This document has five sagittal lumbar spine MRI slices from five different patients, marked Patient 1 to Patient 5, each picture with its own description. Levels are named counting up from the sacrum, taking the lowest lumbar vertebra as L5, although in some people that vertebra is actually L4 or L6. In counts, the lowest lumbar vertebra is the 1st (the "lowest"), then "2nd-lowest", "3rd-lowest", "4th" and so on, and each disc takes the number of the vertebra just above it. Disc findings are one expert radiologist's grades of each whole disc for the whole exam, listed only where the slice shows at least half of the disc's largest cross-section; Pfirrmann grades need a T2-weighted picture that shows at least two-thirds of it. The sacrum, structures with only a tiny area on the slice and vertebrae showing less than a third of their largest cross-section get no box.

Patient 1 of 5:
512x640 px, Sagittal slice index 34, Sagittal T2 SPACE (3D) lumbar spine MRI
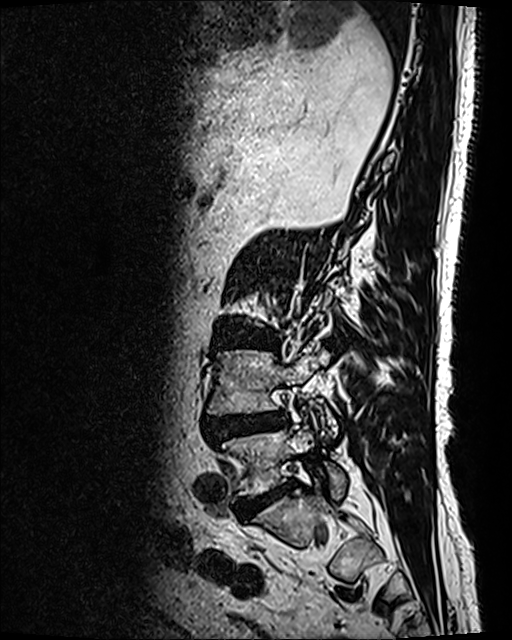
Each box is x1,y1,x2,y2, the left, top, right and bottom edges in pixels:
L3/L4 at 213,329,277,349; disc L5/S1 at 245,481,291,512; L4 at 207,349,329,433; L5 at 222,422,346,497; L4/L5 at 205,411,286,444.

Degenerative findings by level:
• L4/L5: Pfirrmann grade 4, upper-endplate change, spondylolisthesis, disc bulging, disc narrowing, Modic type II, lower-endplate change, disc herniation
• L3/L4: lower-endplate change, upper-endplate change, disc bulging

Patient 2 of 5:
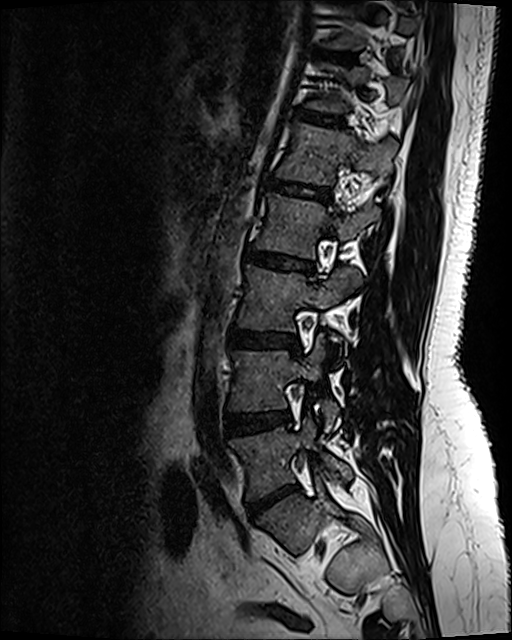
Patient sex: F; Field of view 240x300 mm, slice spacing 0.9 mm; MRI lumbar spine (T2 SPACE (3D)), sagittal plane; Image 512x640
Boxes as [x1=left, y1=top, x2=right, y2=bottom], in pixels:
T11/T12 at [x1=316, y1=53, x2=352, y2=62], intervertebral disc L1/L2 at [x1=264, y1=181, x2=330, y2=203], L4 at [x1=230, y1=334, x2=337, y2=431], L1 vertebra at [x1=276, y1=124, x2=395, y2=184], intervertebral disc L4/L5 at [x1=226, y1=413, x2=291, y2=434], L2/L3 at [x1=245, y1=249, x2=311, y2=274], L3 vertebra at [x1=239, y1=267, x2=360, y2=331], intervertebral disc L3/L4 at [x1=230, y1=330, x2=296, y2=349], L5 at [x1=230, y1=418, x2=351, y2=498], intervertebral disc T12/L1 at [x1=301, y1=114, x2=344, y2=128], L5/S1 at [x1=248, y1=486, x2=298, y2=517], L2 vertebra at [x1=256, y1=195, x2=379, y2=258].

Expert MSK radiologist gradings (per disc):
- L4/L5: disc bulging
- L3/L4: Pfirrmann grade 2, disc bulging
- L5/S1: disc bulging, disc narrowing, disc herniation
- L1/L2: Pfirrmann grade 2, upper-endplate change, lower-endplate change
- T12/L1: Pfirrmann grade 2, lower-endplate change, upper-endplate change
- L2/L3: Pfirrmann grade 4, upper-endplate change, lower-endplate change, disc bulging

Patient 3 of 5:
Sagittal T2 SPACE (3D) lumbar spine MRI.
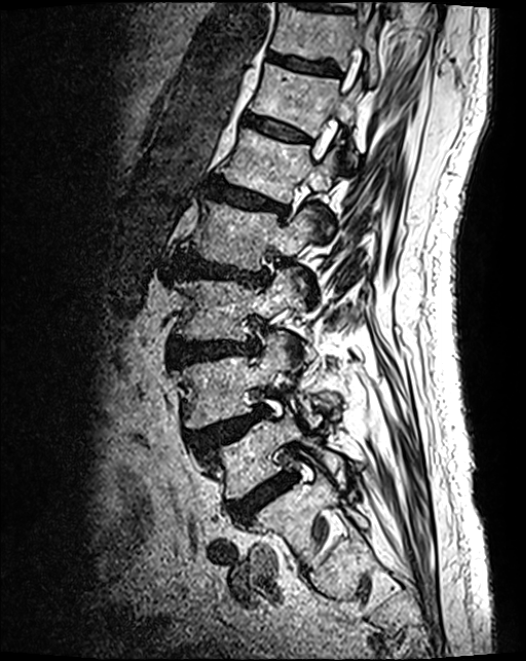 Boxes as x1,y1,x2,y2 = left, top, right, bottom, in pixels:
Lowest disc = 230,474,295,524.
7th vertebra = 271,3,380,83.
2nd-lowest vertebra = 179,333,320,429.
2nd-lowest disc = 191,407,267,451.
4th disc = 175,253,268,286.
7th disc = 268,53,339,76.
Lowest vertebra = 209,411,343,501.
3rd-lowest disc = 170,341,257,364.
5th vertebra = 220,128,336,237.
6th disc = 245,116,308,142.
5th disc = 205,179,286,217.
Spinal canal = 313,2,376,164.
4th vertebra = 183,198,316,293.
6th vertebra = 250,64,360,167.
3rd-lowest vertebra = 176,269,302,364.

Per-level radiological findings:
  lowest disc: Pfirrmann grade 4
  5th disc: Pfirrmann grade 4, disc bulging, lower-endplate change, upper-endplate change
  6th disc: Pfirrmann grade 3
  4th disc: Pfirrmann grade 4, disc narrowing, lower-endplate change, upper-endplate change, disc bulging
  7th disc: Pfirrmann grade 3, lower-endplate change
  2nd-lowest disc: disc herniation, spondylolisthesis, upper-endplate change
  3rd-lowest disc: Pfirrmann grade 4, disc bulging

Patient 4 of 5:
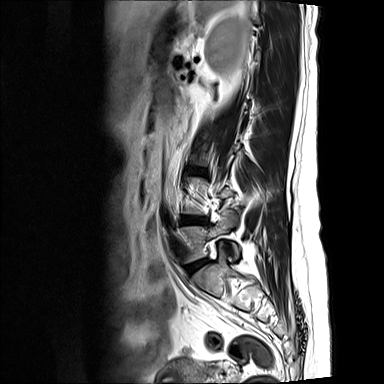 Sagittal T2-weighted lumbar spine MRI; Sagittal slice index 11

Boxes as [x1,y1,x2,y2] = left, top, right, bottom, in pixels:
L4/L5 at [181,216,207,223], L5 vertebra at [182,214,239,262], L5/S1 at [186,260,207,272].

Patient 5 of 5:
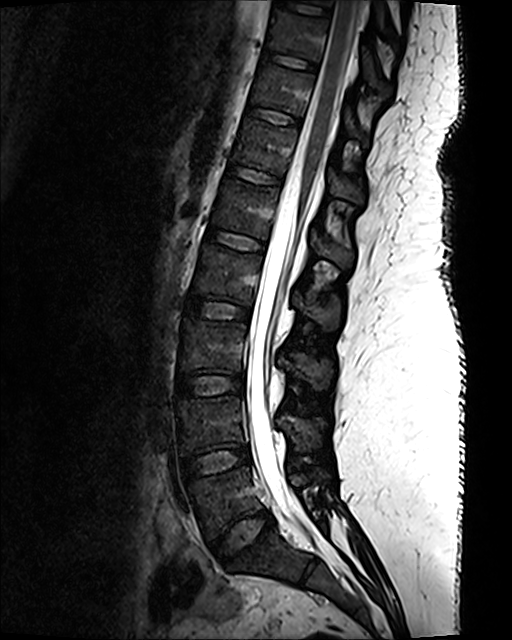 Sex F. T2 SPACE (3D) sagittal MRI of the lumbar spine. 512x640 px.
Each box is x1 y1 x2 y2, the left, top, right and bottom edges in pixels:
- spinal canal — 246 0 361 546
- L4 — 177 396 323 453
- L1/L2 — 207 229 264 250
- L2 — 191 244 339 331
- T10 vertebra — 267 11 388 80
- intervertebral disc L3/L4 — 177 374 243 396
- T10/T11 — 264 51 316 69
- T11 vertebra — 251 65 355 135
- T12 vertebra — 233 119 364 203
- intervertebral disc L2/L3 — 186 298 250 319
- T12/L1 — 228 165 281 185
- L1 vertebra — 212 179 350 266
- L3 vertebra — 180 318 332 389
- T11/T12 — 247 106 300 126
- L4/L5 — 182 445 250 478
- L5/S1 — 212 511 273 564
- L5 vertebra — 188 466 330 537

Radiological gradings:
- L2/L3: Pfirrmann grade 1
- L3/L4: Pfirrmann grade 1
- L5/S1: Pfirrmann grade 1
- L1/L2: Pfirrmann grade 1
- T10/T11: Pfirrmann grade 1
- L4/L5: Pfirrmann grade 1
- T11/T12: Pfirrmann grade 1
- T12/L1: Pfirrmann grade 1